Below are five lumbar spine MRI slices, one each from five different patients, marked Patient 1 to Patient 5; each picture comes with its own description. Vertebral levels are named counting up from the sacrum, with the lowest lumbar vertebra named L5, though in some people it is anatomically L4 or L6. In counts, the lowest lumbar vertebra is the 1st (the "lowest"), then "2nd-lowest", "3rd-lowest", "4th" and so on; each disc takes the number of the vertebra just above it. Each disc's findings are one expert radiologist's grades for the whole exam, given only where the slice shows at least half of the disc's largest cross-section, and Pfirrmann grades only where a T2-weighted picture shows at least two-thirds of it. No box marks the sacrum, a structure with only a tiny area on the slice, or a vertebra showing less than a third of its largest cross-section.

Patient 1 of 5:
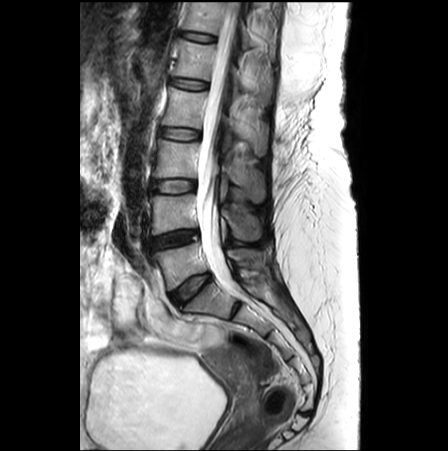 Sagittal T2-weighted lumbar spine MRI

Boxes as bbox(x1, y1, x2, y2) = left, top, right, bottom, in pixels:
6th disc at bbox(180, 30, 215, 42); 3rd-lowest disc at bbox(151, 180, 195, 193); 6th vertebra at bbox(182, 2, 276, 60); thecal sac / spinal canal at bbox(197, 0, 239, 290); 4th vertebra at bbox(162, 86, 267, 155); lowest disc at bbox(170, 273, 211, 304); 5th disc at bbox(170, 77, 207, 89); 2nd-lowest disc at bbox(150, 229, 198, 249); 4th disc at bbox(159, 128, 200, 139); lowest vertebra at bbox(152, 242, 261, 290); 5th vertebra at bbox(172, 38, 272, 102); 3rd-lowest vertebra at bbox(152, 139, 265, 202); 2nd-lowest vertebra at bbox(150, 194, 261, 240).

Expert MSK radiologist gradings (per disc):
• 3rd-lowest disc: Pfirrmann grade 1
• 2nd-lowest disc: Pfirrmann grade 4, disc narrowing
• 4th disc: Pfirrmann grade 1
• 5th disc: Pfirrmann grade 1, upper-endplate change, Modic type II, lower-endplate change
• lowest disc: Pfirrmann grade 3
• 6th disc: Pfirrmann grade 1

Patient 2 of 5:
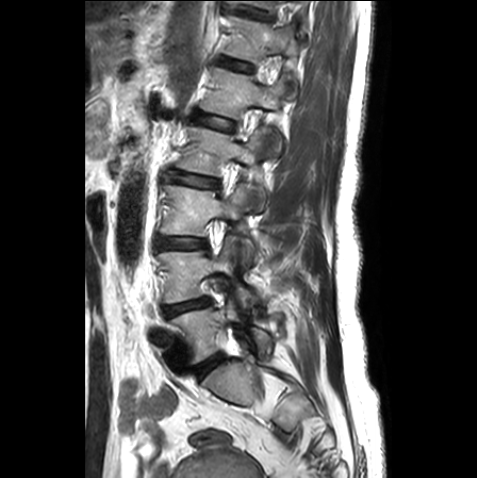
Sagittal T2-weighted lumbar spine MRI. Sex F.
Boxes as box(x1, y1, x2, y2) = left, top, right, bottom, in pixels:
intervertebral disc L5/S1 at box(195, 355, 221, 379) | T11/T12 at box(228, 7, 274, 21) | L1 vertebra at box(200, 67, 283, 151) | L2 at box(177, 126, 265, 208) | intervertebral disc L1/L2 at box(196, 113, 234, 131) | T12 vertebra at box(224, 15, 297, 92) | L5 at box(171, 300, 270, 362) | L2/L3 at box(166, 170, 218, 188) | intervertebral disc L3/L4 at box(158, 238, 206, 249) | L4 vertebra at box(158, 236, 258, 307) | intervertebral disc T12/L1 at box(219, 58, 251, 72) | L3 vertebra at box(161, 184, 260, 259) | L4/L5 at box(163, 298, 210, 316)

Degenerative findings by level:
• L2/L3: Pfirrmann grade 2, disc bulging, lower-endplate change, upper-endplate change
• T11/T12: Pfirrmann grade 1, disc narrowing, upper-endplate change, lower-endplate change
• L1/L2: Pfirrmann grade 1, upper-endplate change, lower-endplate change
• L3/L4: Pfirrmann grade 2, disc bulging, disc narrowing
• L4/L5: disc bulging, upper-endplate change, lower-endplate change, disc narrowing
• T12/L1: upper-endplate change, lower-endplate change

Patient 3 of 5:
Sex F | Slice 5/15 | Lumbar spine MR, T2-weighted, sagittal
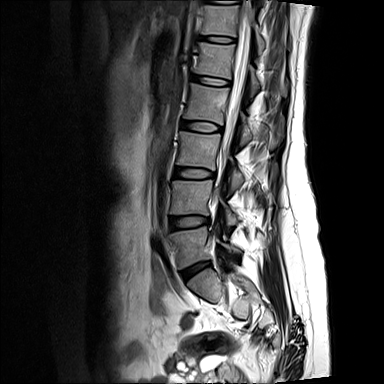

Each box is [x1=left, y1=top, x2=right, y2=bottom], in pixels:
{"thecal sac / spinal canal": "[x1=223, y1=0, x2=252, y2=159]", "L4/L5": "[x1=170, y1=216, x2=208, y2=229]", "L2/L3": "[x1=181, y1=121, x2=222, y2=131]", "L4 vertebra": "[x1=171, y1=180, x2=237, y2=225]", "L1/L2": "[x1=192, y1=75, x2=229, y2=85]", "T12 vertebra": "[x1=201, y1=6, x2=265, y2=52]", "L2 vertebra": "[x1=184, y1=83, x2=279, y2=147]", "L5 vertebra": "[x1=171, y1=226, x2=240, y2=268]", "L3/L4": "[x1=173, y1=168, x2=214, y2=177]", "IVD L5/S1": "[x1=183, y1=262, x2=209, y2=279]", "IVD T12/L1": "[x1=200, y1=35, x2=233, y2=42]", "L3": "[x1=177, y1=131, x2=243, y2=190]", "L1 vertebra": "[x1=191, y1=42, x2=286, y2=96]"}

Radiological gradings:
- L2/L3: Pfirrmann grade 1
- L1/L2: Pfirrmann grade 1
- T12/L1: Pfirrmann grade 1
- L4/L5: Pfirrmann grade 2, disc bulging, Modic type II
- L3/L4: Pfirrmann grade 1

Patient 4 of 5:
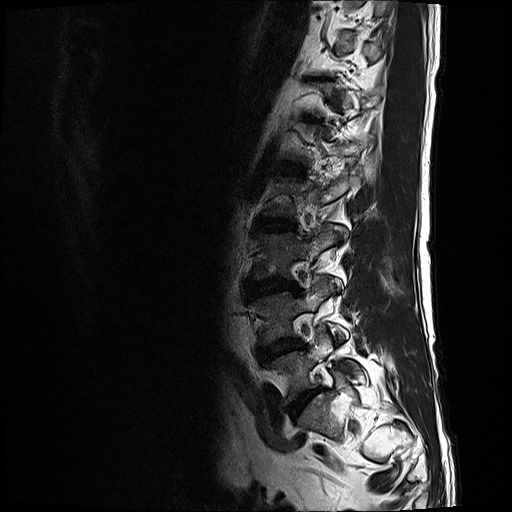 Image 512x512. T2-weighted sagittal MRI of the lumbar spine.
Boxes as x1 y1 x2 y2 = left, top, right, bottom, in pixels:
L3 (3rd-lowest vertebra) at 253 223 335 278, L4 (2nd-lowest vertebra) at 251 275 342 344, L1/L2 (5th disc) at 280 162 305 173, IVD L3/L4 (3rd-lowest disc) at 244 277 298 294, IVD L5/S1 (lowest disc) at 288 389 319 418, L5 (lowest vertebra) at 265 327 358 405, IVD L4/L5 (2nd-lowest disc) at 258 337 305 362, IVD L2/L3 (4th disc) at 254 216 295 231.

Degenerative findings by level:
• L3/L4 (3rd-lowest disc): Pfirrmann grade 4, Modic type II, disc narrowing, disc bulging
• L4/L5 (2nd-lowest disc): Pfirrmann grade 3, disc bulging, Modic type II
• L2/L3 (4th disc): disc bulging, Modic type II

Patient 5 of 5:
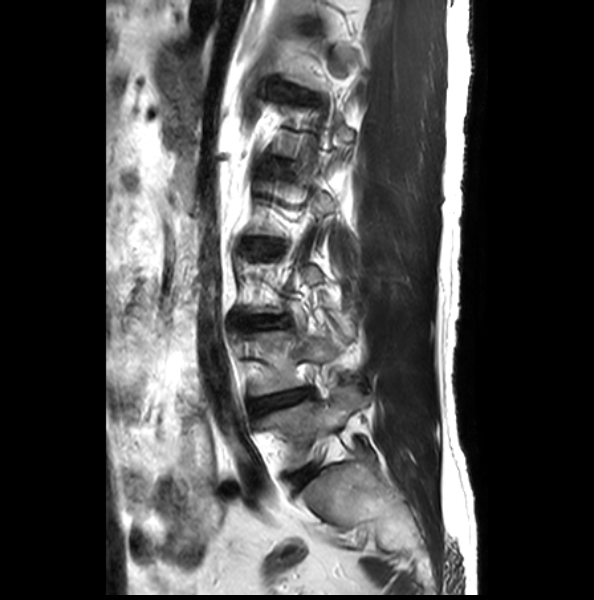

T2-weighted sagittal MRI of the lumbar spine.

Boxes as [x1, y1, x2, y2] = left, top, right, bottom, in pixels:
L5: [257, 386, 370, 469]
IVD L3/L4: [252, 317, 288, 327]
IVD L4/L5: [251, 389, 312, 413]
L2/L3: [252, 240, 283, 254]
L5/S1: [289, 464, 317, 489]

Expert MSK radiologist gradings (per disc):
• L4/L5: Pfirrmann grade 2, disc bulging, disc narrowing, lower-endplate change